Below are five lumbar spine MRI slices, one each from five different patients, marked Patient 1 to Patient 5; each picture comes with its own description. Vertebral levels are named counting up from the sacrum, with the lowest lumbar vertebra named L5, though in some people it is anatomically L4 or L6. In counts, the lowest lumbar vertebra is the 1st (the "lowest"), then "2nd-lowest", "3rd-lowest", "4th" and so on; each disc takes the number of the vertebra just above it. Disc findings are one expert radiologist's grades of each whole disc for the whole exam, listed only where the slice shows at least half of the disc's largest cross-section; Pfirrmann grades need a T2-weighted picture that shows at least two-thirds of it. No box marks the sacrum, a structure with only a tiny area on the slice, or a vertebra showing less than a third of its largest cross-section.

Patient 1 of 5:
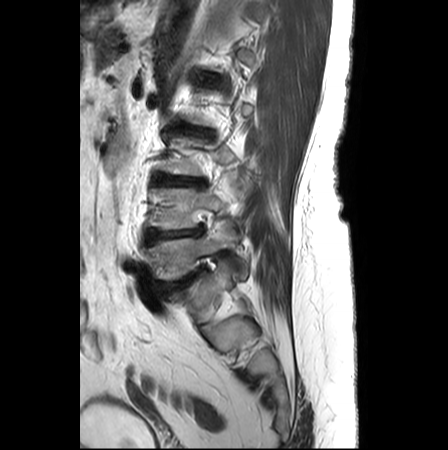

Slice 19/25; Sagittal T2-weighted lumbar spine MRI; Field of view 280x281 mm, slice spacing 3.3 mm

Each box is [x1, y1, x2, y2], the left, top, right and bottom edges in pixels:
{"3rd-lowest disc": "[153, 174, 204, 185]", "2nd-lowest disc": "[144, 226, 204, 243]", "lowest vertebra": "[144, 218, 247, 280]", "lowest disc": "[160, 269, 204, 291]", "4th disc": "[179, 125, 212, 137]", "5th disc": "[204, 74, 220, 82]", "2nd-lowest vertebra": "[147, 181, 236, 229]"}

Degenerative findings by level:
- 3rd-lowest disc: Pfirrmann grade 3, disc bulging, upper-endplate change, Modic type II, lower-endplate change, disc narrowing
- lowest disc: Pfirrmann grade 5, upper-endplate change, Modic type II, lower-endplate change, disc narrowing, disc bulging
- 2nd-lowest disc: Pfirrmann grade 3, lower-endplate change, Modic type II, disc narrowing, upper-endplate change, disc bulging

Patient 2 of 5:
Sagittal T2 SPACE (3D) lumbar spine MRI.

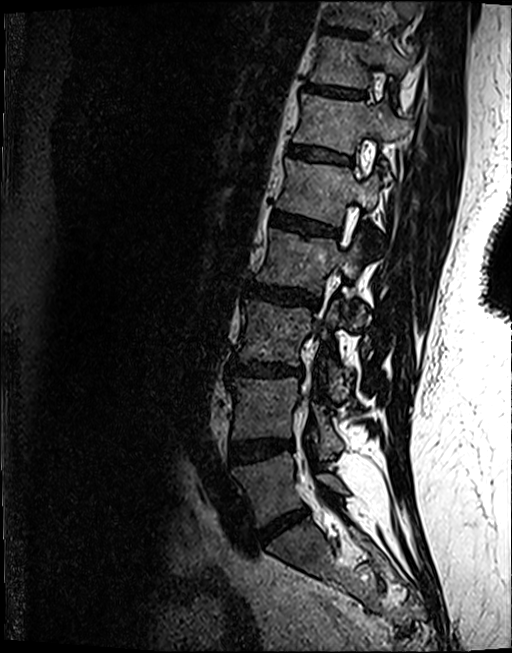
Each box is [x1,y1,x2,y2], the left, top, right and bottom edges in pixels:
{"4th disc": "[248,283,319,308]", "8th disc": "[321,25,366,37]", "5th disc": "[271,211,337,235]", "6th vertebra": "[293,93,400,152]", "7th disc": "[305,82,364,97]", "7th vertebra": "[310,35,413,88]", "8th vertebra": "[325,0,418,29]", "lowest disc": "[260,507,308,543]", "3rd-lowest vertebra": "[236,299,349,398]", "lowest vertebra": "[230,451,348,527]", "3rd-lowest disc": "[230,361,302,376]", "4th vertebra": "[256,227,369,329]", "2nd-lowest vertebra": "[229,377,343,452]", "2nd-lowest disc": "[229,438,293,462]", "5th vertebra": "[276,158,379,240]", "6th disc": "[288,145,351,163]"}

Degenerative findings by level:
- 8th disc: upper-endplate change, lower-endplate change
- 4th disc: Pfirrmann grade 4, upper-endplate change, lower-endplate change, disc bulging
- lowest disc: disc narrowing, disc bulging
- 7th disc: Pfirrmann grade 4, upper-endplate change
- 2nd-lowest disc: Pfirrmann grade 4, lower-endplate change, disc bulging, Modic type II
- 3rd-lowest disc: Pfirrmann grade 4, Modic type II, disc bulging, upper-endplate change, lower-endplate change, disc narrowing
- 6th disc: Pfirrmann grade 3, lower-endplate change, upper-endplate change
- 5th disc: Pfirrmann grade 4, upper-endplate change, lower-endplate change, Modic type II

Patient 3 of 5:
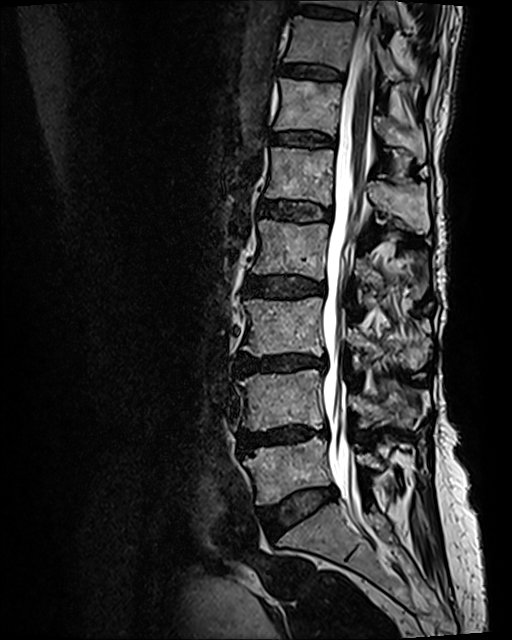 Image 512x640; Lumbar spine MR, T2 SPACE (3D), sagittal

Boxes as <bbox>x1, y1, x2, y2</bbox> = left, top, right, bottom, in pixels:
Segmented structures:
* 7th disc: <bbox>282, 64, 343, 78</bbox>
* 5th vertebra: <bbox>265, 147, 428, 233</bbox>
* 5th disc: <bbox>260, 200, 331, 221</bbox>
* 2nd-lowest vertebra: <bbox>239, 369, 429, 431</bbox>
* 2nd-lowest disc: <bbox>240, 424, 327, 450</bbox>
* spinal canal: <bbox>322, 29, 375, 534</bbox>
* 7th vertebra: <bbox>285, 16, 426, 89</bbox>
* 3rd-lowest disc: <bbox>238, 354, 327, 372</bbox>
* 8th disc: <bbox>299, 6, 353, 17</bbox>
* 3rd-lowest vertebra: <bbox>242, 296, 430, 369</bbox>
* lowest disc: <bbox>261, 487, 336, 531</bbox>
* 4th disc: <bbox>246, 273, 325, 297</bbox>
* 6th disc: <bbox>272, 131, 335, 146</bbox>
* 6th vertebra: <bbox>274, 78, 426, 163</bbox>
* 8th vertebra: <bbox>305, 0, 398, 25</bbox>
* lowest vertebra: <bbox>243, 437, 384, 505</bbox>
* 4th vertebra: <bbox>253, 219, 427, 299</bbox>

Per-level radiological findings:
- 3rd-lowest disc: Pfirrmann grade 4, disc narrowing, lower-endplate change, disc bulging, upper-endplate change, Modic type II
- 7th disc: Pfirrmann grade 2, lower-endplate change, Modic type II, upper-endplate change
- 5th disc: Pfirrmann grade 3, Modic type II, lower-endplate change, upper-endplate change
- 4th disc: Pfirrmann grade 3, disc bulging, upper-endplate change, lower-endplate change, Modic type II
- 2nd-lowest disc: Pfirrmann grade 4, disc bulging, Modic type II, lower-endplate change, disc narrowing, upper-endplate change
- 6th disc: Pfirrmann grade 2, Modic type II, lower-endplate change, upper-endplate change
- 8th disc: Pfirrmann grade 2, upper-endplate change, lower-endplate change
- lowest disc: Pfirrmann grade 2, disc bulging

Patient 4 of 5:
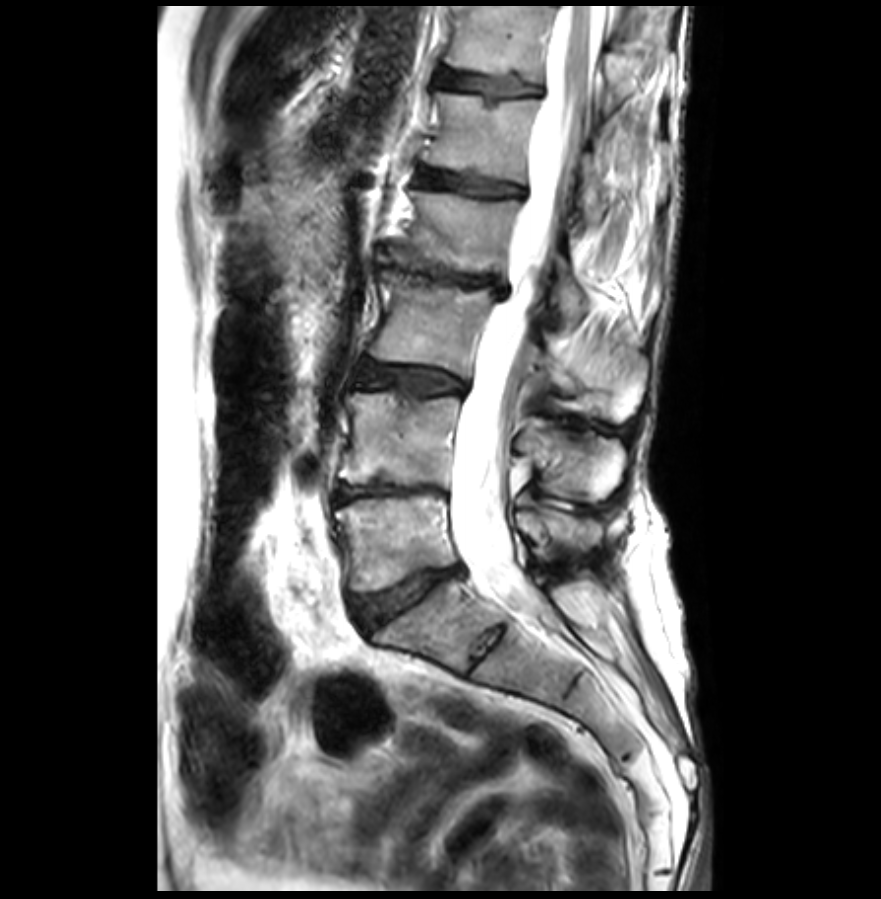
Lumbar spine MR, T2-weighted, sagittal; Sex F
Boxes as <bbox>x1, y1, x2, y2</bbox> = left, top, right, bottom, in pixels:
Spinal canal: <bbox>450, 5, 603, 615</bbox>.
Lowest disc: <bbox>350, 567, 459, 628</bbox>.
5th disc: <bbox>421, 170, 526, 196</bbox>.
6th vertebra: <bbox>446, 5, 626, 115</bbox>.
5th vertebra: <bbox>425, 92, 609, 224</bbox>.
2nd-lowest vertebra: <bbox>340, 393, 624, 497</bbox>.
3rd-lowest vertebra: <bbox>370, 270, 575, 392</bbox>.
4th vertebra: <bbox>389, 190, 585, 326</bbox>.
Lowest vertebra: <bbox>336, 491, 601, 590</bbox>.
4th disc: <bbox>376, 250, 505, 297</bbox>.
2nd-lowest disc: <bbox>338, 482, 447, 504</bbox>.
3rd-lowest disc: <bbox>358, 362, 467, 394</bbox>.
6th disc: <bbox>433, 69, 542, 95</bbox>.

Per-level radiological findings:
• 3rd-lowest disc: Pfirrmann grade 3, disc bulging, Modic type II
• 2nd-lowest disc: Pfirrmann grade 5, Modic type II, disc narrowing, disc bulging
• 6th disc: Pfirrmann grade 2, upper-endplate change, lower-endplate change
• lowest disc: Pfirrmann grade 3, upper-endplate change, lower-endplate change, disc narrowing, disc bulging
• 5th disc: Pfirrmann grade 2, lower-endplate change, upper-endplate change, Modic type II
• 4th disc: Pfirrmann grade 5, disc herniation, upper-endplate change, disc narrowing, Modic type II, lower-endplate change, disc bulging

Patient 5 of 5:
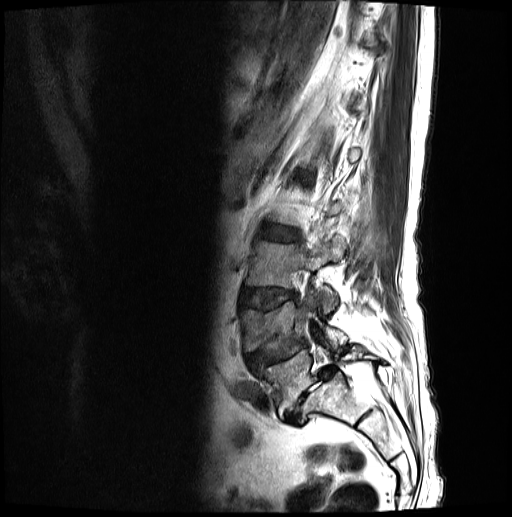
Image 512x517. Sex M. T2-weighted sagittal MRI of the lumbar spine. Field of view 300x303 mm.
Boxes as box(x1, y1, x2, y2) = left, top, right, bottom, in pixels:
{"L2/L3": "box(259, 226, 300, 242)", "L5": "box(251, 348, 379, 417)", "L5/S1": "box(285, 369, 331, 425)", "L4 vertebra": "box(239, 291, 347, 352)", "L4/L5": "box(246, 339, 307, 368)", "L3": "box(245, 242, 343, 312)", "intervertebral disc L3/L4": "box(240, 288, 297, 307)"}

Degenerative findings by level:
- L3/L4: Pfirrmann grade 3, disc bulging, lower-endplate change, upper-endplate change
- L5/S1: Pfirrmann grade 5, Modic type II, spondylolisthesis, disc herniation, disc narrowing
- L4/L5: Pfirrmann grade 3, disc herniation, upper-endplate change, disc narrowing, spondylolisthesis, lower-endplate change
- L2/L3: Pfirrmann grade 3, disc bulging